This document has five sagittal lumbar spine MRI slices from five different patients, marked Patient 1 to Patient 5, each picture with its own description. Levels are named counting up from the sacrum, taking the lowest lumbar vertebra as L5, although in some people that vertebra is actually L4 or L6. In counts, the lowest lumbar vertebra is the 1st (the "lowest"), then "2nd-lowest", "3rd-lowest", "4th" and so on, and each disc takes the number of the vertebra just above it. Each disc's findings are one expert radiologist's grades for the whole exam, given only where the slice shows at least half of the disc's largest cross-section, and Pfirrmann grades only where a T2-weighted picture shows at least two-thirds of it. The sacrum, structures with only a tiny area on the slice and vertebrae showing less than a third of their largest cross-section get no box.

Patient 1 of 5:
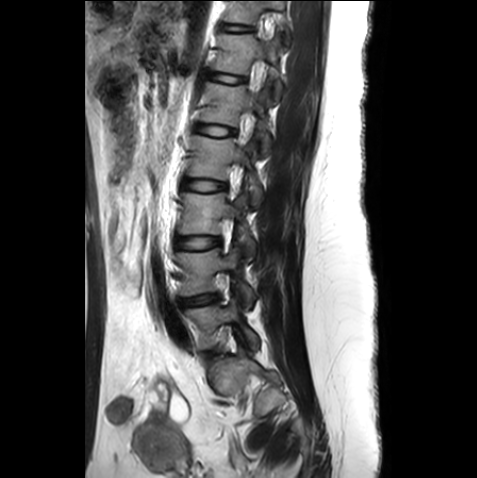

Sagittal T2-weighted lumbar spine MRI | 477x478 px | Slice 17 of 25
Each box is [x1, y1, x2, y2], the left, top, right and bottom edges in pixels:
T12/L1: [207, 72, 245, 83].
L1/L2: [195, 124, 235, 135].
T11/T12: [221, 23, 253, 31].
Spinal canal: [252, 74, 262, 94].
L2/L3: [183, 178, 226, 191].
L2: [187, 135, 263, 207].
T12 vertebra: [212, 33, 282, 97].
Intervertebral disc L3/L4: [176, 236, 220, 249].
L4/L5: [179, 294, 218, 307].
L4 vertebra: [177, 247, 255, 307].
L1 vertebra: [200, 82, 271, 155].
T11 vertebra: [225, 0, 288, 45].
L5: [185, 299, 259, 351].
L3: [179, 192, 255, 256].

Per-level radiological findings:
- L1/L2: Pfirrmann grade 1
- L4/L5: disc narrowing, disc bulging
- L3/L4: Pfirrmann grade 1
- T11/T12: Pfirrmann grade 1
- L2/L3: Pfirrmann grade 1
- T12/L1: Pfirrmann grade 1

Patient 2 of 5:
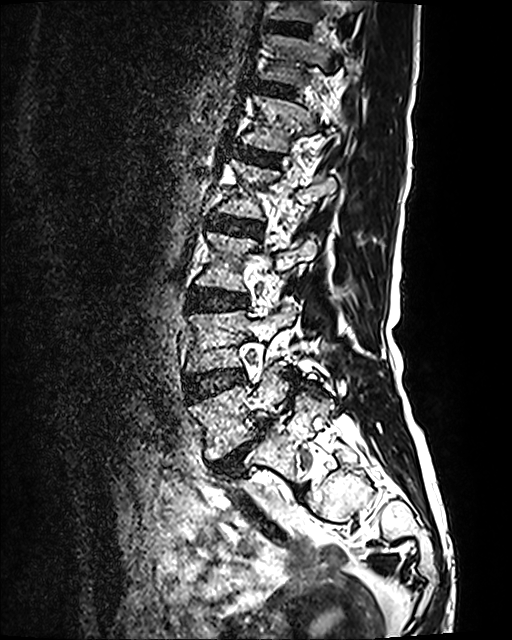 Slice 41/120. Sagittal T2 SPACE (3D) lumbar spine MRI.

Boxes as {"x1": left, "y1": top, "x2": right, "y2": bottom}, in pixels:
Intervertebral disc L1/L2 at {"x1": 232, "y1": 145, "x2": 280, "y2": 165}, L3 at {"x1": 196, "y1": 232, "x2": 317, "y2": 291}, L2/L3 at {"x1": 208, "y1": 215, "x2": 261, "y2": 235}, L2 at {"x1": 218, "y1": 159, "x2": 336, "y2": 218}, intervertebral disc T11/T12 at {"x1": 269, "y1": 23, "x2": 307, "y2": 33}, intervertebral disc L5/S1 at {"x1": 210, "y1": 420, "x2": 270, "y2": 471}, L4/L5 at {"x1": 184, "y1": 370, "x2": 243, "y2": 400}, T11 vertebra at {"x1": 270, "y1": 0, "x2": 356, "y2": 21}, T12/L1 at {"x1": 256, "y1": 83, "x2": 292, "y2": 95}, L1 at {"x1": 241, "y1": 95, "x2": 345, "y2": 151}, T12 at {"x1": 259, "y1": 35, "x2": 353, "y2": 86}, L3/L4 at {"x1": 188, "y1": 289, "x2": 246, "y2": 309}, L4 at {"x1": 186, "y1": 302, "x2": 295, "y2": 372}, L5 at {"x1": 188, "y1": 367, "x2": 333, "y2": 459}.

Radiological gradings:
• L4/L5: Pfirrmann grade 2
• L5/S1: spondylolisthesis, Modic type II, disc bulging, disc narrowing
• L3/L4: Pfirrmann grade 2
• T12/L1, T11/T12, L1/L2, L2/L3: no Modic or endplate change, herniation, narrowing, bulging or spondylolisthesis recorded

Patient 3 of 5:
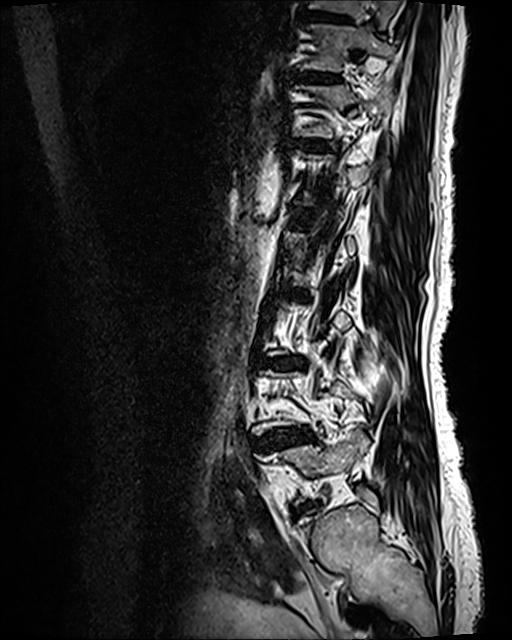

T2 SPACE (3D) sagittal MRI of the lumbar spine
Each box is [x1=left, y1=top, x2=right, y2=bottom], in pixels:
Intervertebral disc T12/L1 (6th disc) = [x1=301, y1=140, x2=327, y2=151].
L4/L5 (2nd-lowest disc) = [x1=260, y1=429, x2=310, y2=448].
L3/L4 (3rd-lowest disc) = [x1=266, y1=356, x2=302, y2=367].
T12 (6th vertebra) = [x1=296, y1=85, x2=395, y2=137].
Intervertebral disc T10/T11 (8th disc) = [x1=307, y1=12, x2=348, y2=22].
T10 (8th vertebra) = [x1=306, y1=0, x2=398, y2=28].
T11 (7th vertebra) = [x1=301, y1=24, x2=395, y2=71].
L5 (lowest vertebra) = [x1=274, y1=430, x2=368, y2=500].
T11/T12 (7th disc) = [x1=299, y1=71, x2=337, y2=80].

Radiological gradings:
• L4/L5 (2nd-lowest disc): disc bulging, upper-endplate change, Modic type II, lower-endplate change, disc narrowing
• T10/T11 (8th disc): upper-endplate change, lower-endplate change

Patient 4 of 5:
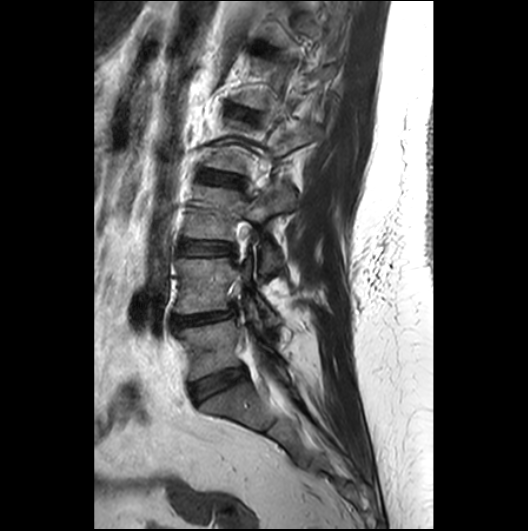
Patient sex: F. Image 528x531. MRI lumbar spine (T2-weighted), sagittal plane.

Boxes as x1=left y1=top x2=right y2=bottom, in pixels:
* disc L1/L2 (5th disc) — x1=227 y1=106 x2=256 y2=117
* disc L3/L4 (3rd-lowest disc) — x1=178 y1=239 x2=235 y2=254
* L2/L3 (4th disc) — x1=199 y1=170 x2=243 y2=185
* L5 (lowest vertebra) — x1=178 y1=320 x2=284 y2=380
* L4 (2nd-lowest vertebra) — x1=175 y1=257 x2=277 y2=323
* L3 (3rd-lowest vertebra) — x1=185 y1=185 x2=293 y2=277
* disc L4/L5 (2nd-lowest disc) — x1=172 y1=309 x2=235 y2=327
* L5/S1 (lowest disc) — x1=191 y1=368 x2=245 y2=401

Degenerative findings by level:
• L5/S1 (lowest disc): Pfirrmann grade 3
• L4/L5 (2nd-lowest disc): Pfirrmann grade 3, disc narrowing, disc herniation
• L3/L4 (3rd-lowest disc): Pfirrmann grade 2
• L2/L3 (4th disc): no herniation, bulging, narrowing, spondylolisthesis, endplate or Modic change recorded

Patient 5 of 5:
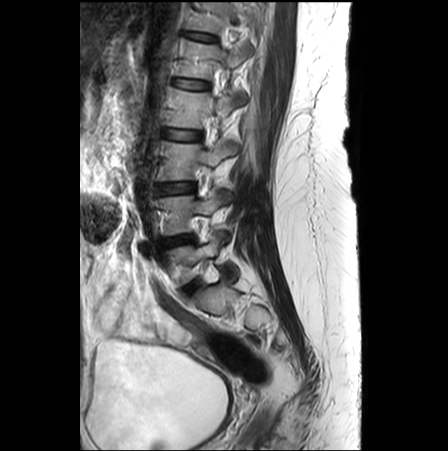 Lumbar spine MR, T2-weighted, sagittal, Sex F
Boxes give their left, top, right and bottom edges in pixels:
IVD T12/L1 at left=186, top=33, right=215, bottom=42; L3 vertebra at left=159, top=140, right=237, bottom=180; IVD L3/L4 at left=157, top=183, right=195, bottom=194; L1 vertebra at left=177, top=39, right=251, bottom=99; IVD L4/L5 at left=160, top=236, right=193, bottom=246; L5/S1 at left=183, top=280, right=199, bottom=293; L1/L2 at left=173, top=79, right=208, bottom=89; L2/L3 at left=163, top=129, right=201, bottom=140; L5 vertebra at left=167, top=230, right=238, bottom=284; L4 at left=158, top=190, right=230, bottom=235; L2 at left=168, top=88, right=236, bottom=128.

Per-level radiological findings:
  L3/L4: Pfirrmann grade 1
  L2/L3: Pfirrmann grade 1
  L1/L2: Pfirrmann grade 1, upper-endplate change, lower-endplate change, Modic type II
  T12/L1: no spondylolisthesis, narrowing, bulging, herniation, Modic or endplate change recorded